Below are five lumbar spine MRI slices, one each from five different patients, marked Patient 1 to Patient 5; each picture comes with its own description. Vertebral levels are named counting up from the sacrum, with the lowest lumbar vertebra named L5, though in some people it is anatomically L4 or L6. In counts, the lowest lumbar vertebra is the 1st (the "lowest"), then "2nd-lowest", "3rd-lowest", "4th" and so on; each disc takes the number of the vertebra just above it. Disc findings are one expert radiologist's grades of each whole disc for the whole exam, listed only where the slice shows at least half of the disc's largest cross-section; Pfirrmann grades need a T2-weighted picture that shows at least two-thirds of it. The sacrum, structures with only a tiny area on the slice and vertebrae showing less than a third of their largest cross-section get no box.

Patient 1 of 5:
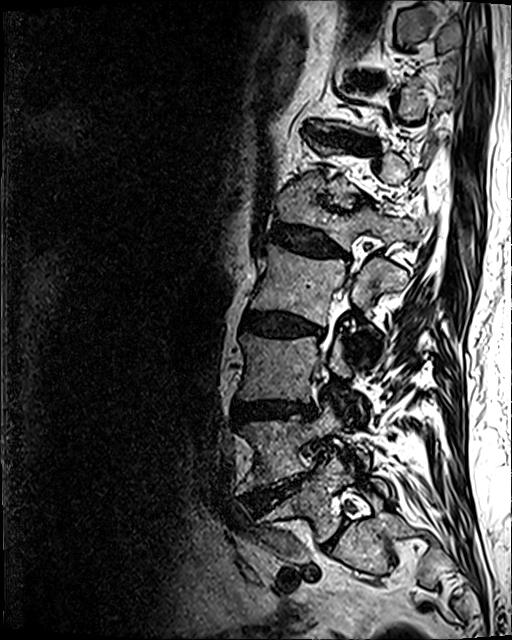 T2 SPACE (3D) sagittal MRI of the lumbar spine, 512x640 px
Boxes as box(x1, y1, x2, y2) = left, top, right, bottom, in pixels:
{"L3 vertebra": "box(237, 333, 365, 420)", "IVD L4/L5": "box(245, 471, 313, 512)", "thecal sac / spinal canal": "box(318, 269, 353, 373)", "L5/S1": "box(320, 520, 347, 551)", "L2": "box(250, 244, 405, 366)", "L4 vertebra": "box(238, 405, 368, 491)", "L1/L2": "box(268, 223, 346, 256)", "T12/L1": "box(317, 200, 344, 212)", "L1 vertebra": "box(274, 186, 434, 249)", "IVD T11/T12": "box(307, 127, 375, 149)", "L2/L3": "box(242, 312, 323, 336)", "L5 vertebra": "box(268, 455, 387, 544)", "L3/L4": "box(234, 401, 314, 420)"}

Degenerative findings by level:
  L1/L2: Pfirrmann grade 4, disc bulging, upper-endplate change, disc narrowing, lower-endplate change
  L3/L4: Pfirrmann grade 4, upper-endplate change, disc bulging, lower-endplate change, disc narrowing
  T11/T12: Pfirrmann grade 4, disc bulging, disc narrowing, upper-endplate change, lower-endplate change
  L2/L3: Pfirrmann grade 4, lower-endplate change, upper-endplate change, disc bulging, disc narrowing, Modic type II
  L4/L5: Pfirrmann grade 5, lower-endplate change, disc bulging, Modic type II, disc herniation, upper-endplate change, disc narrowing

Patient 2 of 5:
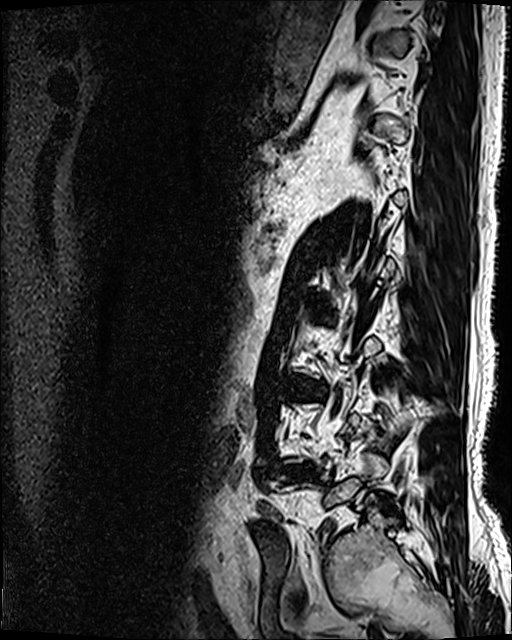

T2 SPACE (3D) sagittal MRI of the lumbar spine | Slice spacing 0.9 mm | 512x640 px | Slice 30/120

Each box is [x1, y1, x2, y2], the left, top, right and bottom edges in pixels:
Structures:
• intervertebral disc L3/L4 — [291, 380, 313, 393]
• intervertebral disc L4/L5 — [289, 468, 307, 476]

Patient 3 of 5:
Image 514x516 | Sagittal T2-weighted lumbar spine MRI
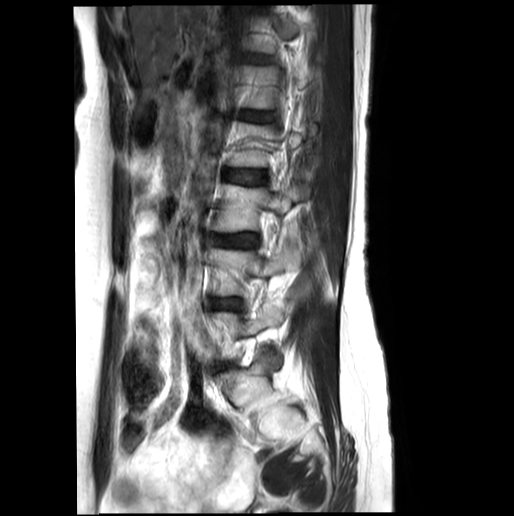

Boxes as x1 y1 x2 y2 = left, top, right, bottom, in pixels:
L1/L2 (5th disc) at 242 112 270 121, L4 (2nd-lowest vertebra) at 208 248 291 296, L3 (3rd-lowest vertebra) at 213 183 310 232, L2/L3 (4th disc) at 224 169 265 184, L3/L4 (3rd-lowest disc) at 211 233 259 247, intervertebral disc L4/L5 (2nd-lowest disc) at 210 298 240 310.

Degenerative findings by level:
• L2/L3 (4th disc): Pfirrmann grade 2
• L3/L4 (3rd-lowest disc): Pfirrmann grade 3

Patient 4 of 5:
Image 512x640. MRI lumbar spine (T2 SPACE (3D)), sagittal plane. 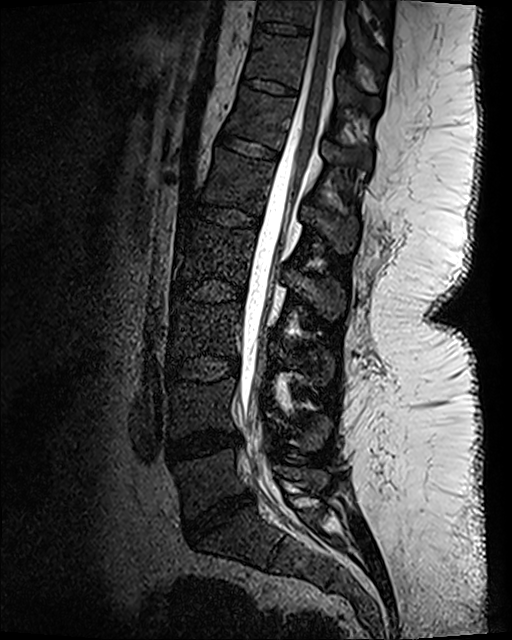

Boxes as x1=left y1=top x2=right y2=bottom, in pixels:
4th disc — x1=169 y1=279 x2=246 y2=302.
2nd-lowest disc — x1=167 y1=430 x2=241 y2=462.
5th vertebra — x1=203 y1=149 x2=358 y2=253.
Lowest vertebra — x1=175 y1=450 x2=326 y2=517.
7th vertebra — x1=246 y1=31 x2=380 y2=112.
Spinal canal — x1=239 y1=1 x2=340 y2=495.
6th disc — x1=217 y1=130 x2=277 y2=159.
7th disc — x1=242 y1=77 x2=298 y2=96.
8th disc — x1=256 y1=21 x2=311 y2=36.
4th vertebra — x1=174 y1=220 x2=345 y2=320.
3rd-lowest disc — x1=166 y1=355 x2=238 y2=381.
2nd-lowest vertebra — x1=169 y1=378 x2=327 y2=448.
5th disc — x1=180 y1=203 x2=257 y2=227.
8th vertebra — x1=258 y1=0 x2=388 y2=68.
Lowest disc — x1=184 y1=493 x2=252 y2=538.
3rd-lowest vertebra — x1=170 y1=300 x2=334 y2=385.
6th vertebra — x1=227 y1=87 x2=372 y2=171.

Radiological gradings:
- 2nd-lowest disc: Pfirrmann grade 3, disc narrowing, disc bulging
- 5th disc: Pfirrmann grade 1
- 6th disc: Pfirrmann grade 1
- lowest disc: Pfirrmann grade 4, disc bulging, disc narrowing
- 4th disc: Pfirrmann grade 1
- 7th disc: Pfirrmann grade 1
- 3rd-lowest disc: Pfirrmann grade 1
- 8th disc: Pfirrmann grade 1

Patient 5 of 5:
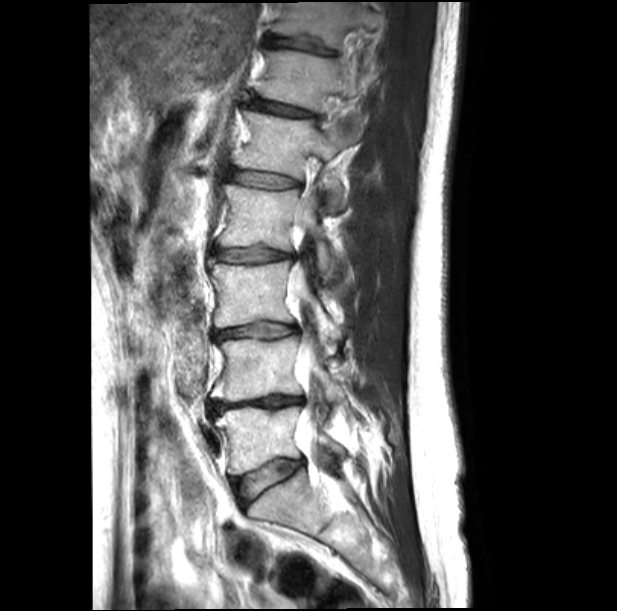 Sagittal T2-weighted lumbar spine MRI; Slice 10 of 21; 617x611 px
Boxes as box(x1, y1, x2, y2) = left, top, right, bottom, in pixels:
5th disc: box(228, 170, 298, 188).
5th vertebra: box(237, 110, 356, 211).
6th vertebra: box(261, 50, 361, 129).
Lowest disc: box(236, 459, 303, 506).
7th disc: box(266, 35, 333, 55).
7th vertebra: box(272, 2, 384, 66).
Spinal canal: box(287, 216, 321, 463).
4th disc: box(213, 247, 291, 263).
3rd-lowest vertebra: box(211, 261, 340, 340).
2nd-lowest disc: box(210, 396, 303, 415).
6th disc: box(252, 98, 312, 116).
2nd-lowest vertebra: box(211, 336, 344, 403).
4th vertebra: box(220, 184, 338, 282).
Lowest vertebra: box(216, 406, 346, 475).
3rd-lowest disc: box(214, 322, 297, 341).

Degenerative findings by level:
• lowest disc: Pfirrmann grade 2, disc bulging
• 5th disc: Pfirrmann grade 3, lower-endplate change, disc bulging, upper-endplate change
• 2nd-lowest disc: Pfirrmann grade 5, disc bulging, lower-endplate change, disc narrowing, upper-endplate change
• 6th disc: Pfirrmann grade 3, disc narrowing, upper-endplate change, disc bulging, lower-endplate change
• 3rd-lowest disc: Pfirrmann grade 3, disc narrowing, lower-endplate change, disc bulging, upper-endplate change
• 4th disc: Pfirrmann grade 3, lower-endplate change, disc bulging, upper-endplate change
• 7th disc: Pfirrmann grade 3, disc narrowing, lower-endplate change, upper-endplate change